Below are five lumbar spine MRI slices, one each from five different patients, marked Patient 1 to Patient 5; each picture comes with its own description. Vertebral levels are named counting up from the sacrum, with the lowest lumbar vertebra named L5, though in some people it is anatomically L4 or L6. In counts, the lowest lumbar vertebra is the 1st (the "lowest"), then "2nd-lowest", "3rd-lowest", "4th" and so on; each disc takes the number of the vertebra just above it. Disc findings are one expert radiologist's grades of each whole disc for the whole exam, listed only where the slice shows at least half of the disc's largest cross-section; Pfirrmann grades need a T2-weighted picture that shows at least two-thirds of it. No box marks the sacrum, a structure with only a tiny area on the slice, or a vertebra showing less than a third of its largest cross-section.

Patient 1 of 5:
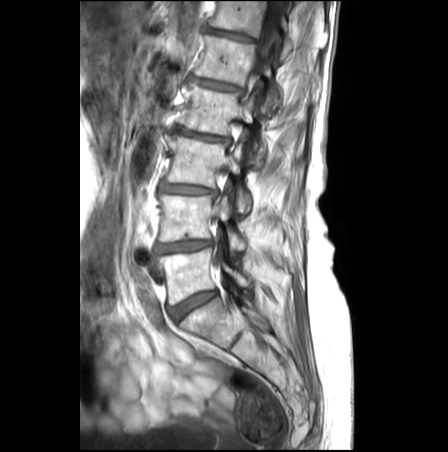

Image 448x452; Lumbar spine MR, T1-weighted, sagittal
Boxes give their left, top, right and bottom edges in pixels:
L5/S1 (lowest disc) = left=168, top=291, right=217, bottom=321 | T12/L1 (6th disc) = left=206, top=27, right=253, bottom=40 | L5 (lowest vertebra) = left=159, top=248, right=253, bottom=304 | L1 (5th vertebra) = left=194, top=35, right=318, bottom=115 | thecal sac / spinal canal = left=220, top=1, right=280, bottom=253 | L2 (4th vertebra) = left=176, top=85, right=265, bottom=168 | disc L3/L4 (3rd-lowest disc) = left=160, top=183, right=215, bottom=194 | disc L4/L5 (2nd-lowest disc) = left=155, top=240, right=211, bottom=253 | L2/L3 (4th disc) = left=174, top=126, right=228, bottom=141 | L4 (2nd-lowest vertebra) = left=158, top=184, right=247, bottom=256 | L3 (3rd-lowest vertebra) = left=167, top=133, right=250, bottom=212 | T12 (6th vertebra) = left=210, top=1, right=327, bottom=59 | disc L1/L2 (5th disc) = left=191, top=77, right=241, bottom=91

Per-level radiological findings:
• L1/L2 (5th disc): upper-endplate change, disc bulging, lower-endplate change
• T12/L1 (6th disc): lower-endplate change, upper-endplate change
• L3/L4 (3rd-lowest disc): disc narrowing, upper-endplate change, Modic type II, disc bulging, lower-endplate change
• L4/L5 (2nd-lowest disc): disc narrowing, upper-endplate change, lower-endplate change, Modic type II, disc bulging
• L2/L3 (4th disc): disc narrowing, upper-endplate change, Modic type II, disc bulging, lower-endplate change
• L5/S1 (lowest disc): no Modic or endplate change, herniation, narrowing, bulging or spondylolisthesis recorded

Patient 2 of 5:
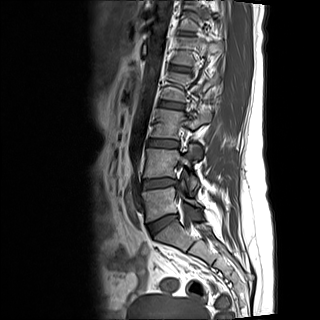
MRI lumbar spine (T1-weighted), sagittal plane. Sagittal slice index 9.

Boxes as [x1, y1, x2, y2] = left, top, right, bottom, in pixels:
3rd-lowest disc at [149, 140, 179, 147].
Lowest disc at [148, 215, 176, 235].
Lowest vertebra at [142, 180, 200, 221].
2nd-lowest disc at [143, 178, 176, 188].
2nd-lowest vertebra at [144, 144, 200, 195].
5th vertebra at [173, 37, 221, 65].
5th disc at [171, 66, 189, 71].
3rd-lowest vertebra at [151, 109, 211, 138].
4th disc at [160, 101, 183, 109].

Degenerative findings by level:
• 2nd-lowest disc: disc bulging, Modic type II
• lowest disc: disc bulging
• 4th disc, 3rd-lowest disc: no spondylolisthesis, narrowing, bulging, herniation, Modic or endplate change recorded

Patient 3 of 5:
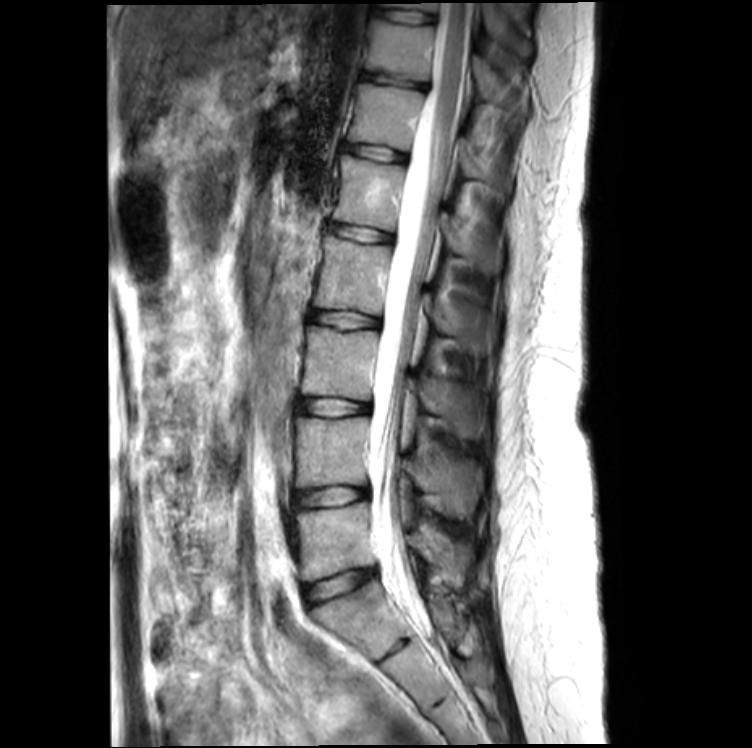 Slice 12 of 20. T2-weighted sagittal MRI of the lumbar spine.
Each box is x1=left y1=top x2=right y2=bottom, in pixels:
Annotations:
• 2nd-lowest vertebra at x1=296 y1=417 x2=481 y2=515
• 4th vertebra at x1=314 y1=236 x2=496 y2=354
• 5th disc at x1=328 y1=224 x2=392 y2=242
• 8th disc at x1=372 y1=7 x2=434 y2=24
• 5th vertebra at x1=333 y1=154 x2=501 y2=274
• 3rd-lowest vertebra at x1=301 y1=325 x2=486 y2=438
• 8th vertebra at x1=382 y1=3 x2=507 y2=35
• lowest disc at x1=304 y1=568 x2=376 y2=605
• 6th disc at x1=343 y1=144 x2=405 y2=162
• spinal canal at x1=369 y1=3 x2=473 y2=616
• 7th vertebra at x1=364 y1=19 x2=502 y2=99
• 2nd-lowest disc at x1=293 y1=487 x2=368 y2=507
• 6th vertebra at x1=348 y1=83 x2=483 y2=178
• 4th disc at x1=309 y1=309 x2=378 y2=329
• 3rd-lowest disc at x1=296 y1=398 x2=368 y2=414
• lowest vertebra at x1=290 y1=503 x2=473 y2=586
• 7th disc at x1=361 y1=71 x2=426 y2=89

Radiological gradings:
  8th disc: Pfirrmann grade 2
  6th disc: Pfirrmann grade 2
  7th disc: Pfirrmann grade 2, disc bulging, lower-endplate change
  5th disc: Pfirrmann grade 2
  3rd-lowest disc: Pfirrmann grade 2
  4th disc: Pfirrmann grade 2
  lowest disc: Pfirrmann grade 2, lower-endplate change
  2nd-lowest disc: Pfirrmann grade 2

Patient 4 of 5:
Lumbar spine MR, T1-weighted, sagittal. 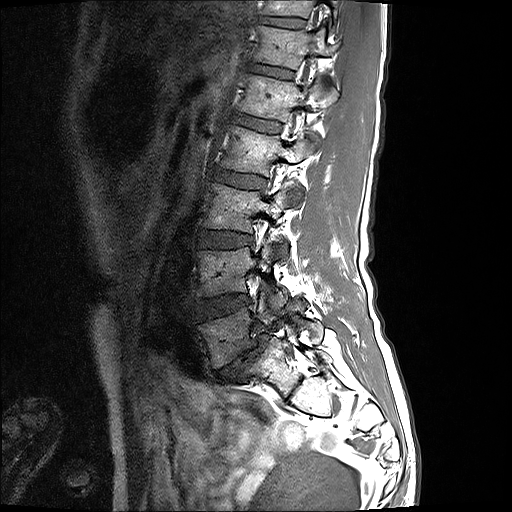
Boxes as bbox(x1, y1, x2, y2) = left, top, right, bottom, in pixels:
Intervertebral disc L4/L5: bbox(195, 295, 249, 321).
Intervertebral disc L2/L3: bbox(214, 169, 265, 189).
Intervertebral disc T11/T12: bbox(262, 17, 303, 28).
Intervertebral disc L1/L2: bbox(232, 114, 280, 132).
L4: bbox(197, 242, 287, 308).
L5: bbox(199, 293, 323, 368).
L3: bbox(204, 183, 293, 255).
L1: bbox(239, 74, 337, 121).
T11 vertebra: bbox(263, 0, 339, 17).
L3/L4: bbox(198, 230, 252, 248).
T12 vertebra: bbox(254, 26, 333, 69).
T12/L1: bbox(249, 63, 292, 78).
L5/S1: bbox(215, 334, 267, 381).
L2: bbox(221, 126, 319, 197).

Degenerative findings by level:
- L5/S1: Modic type II, disc bulging, spondylolisthesis, disc narrowing
- L4/L5, T11/T12, L1/L2, T12/L1, L2/L3, L3/L4: no Modic or endplate change, herniation, narrowing, bulging or spondylolisthesis recorded

Patient 5 of 5:
Sex F, Slice spacing 0.9 mm, Lumbar spine MR, T2 SPACE (3D), sagittal, Slice 43 of 122
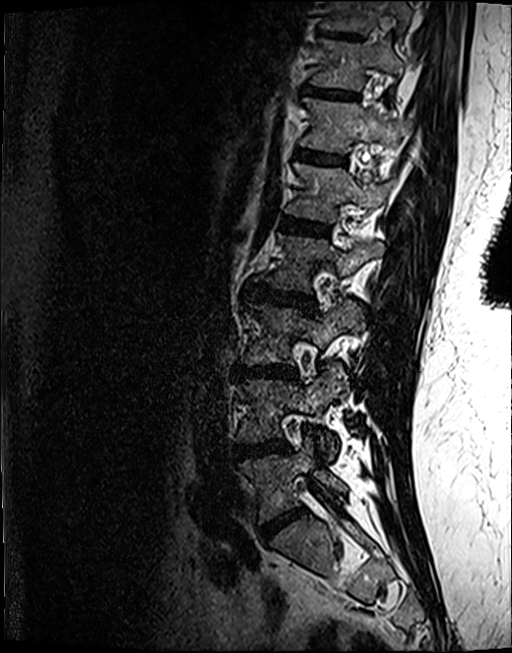

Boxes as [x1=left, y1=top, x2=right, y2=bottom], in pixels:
* 7th vertebra — [x1=310, y1=37, x2=403, y2=88]
* 4th vertebra — [x1=254, y1=232, x2=383, y2=290]
* 2nd-lowest vertebra — [x1=236, y1=368, x2=345, y2=458]
* 8th vertebra — [x1=319, y1=0, x2=412, y2=32]
* 5th vertebra — [x1=284, y1=162, x2=386, y2=221]
* 7th disc — [x1=304, y1=85, x2=358, y2=98]
* 3rd-lowest disc — [x1=234, y1=364, x2=296, y2=377]
* 4th disc — [x1=244, y1=282, x2=315, y2=310]
* 8th disc — [x1=317, y1=29, x2=363, y2=38]
* 6th vertebra — [x1=297, y1=97, x2=396, y2=152]
* 5th disc — [x1=279, y1=215, x2=329, y2=234]
* lowest vertebra — [x1=239, y1=438, x2=347, y2=523]
* lowest disc — [x1=260, y1=507, x2=305, y2=540]
* 3rd-lowest vertebra — [x1=241, y1=298, x2=358, y2=364]
* 6th disc — [x1=293, y1=148, x2=346, y2=163]
* 2nd-lowest disc — [x1=234, y1=440, x2=287, y2=458]

Expert MSK radiologist gradings (per disc):
• 4th disc: Pfirrmann grade 4, lower-endplate change, disc bulging, upper-endplate change
• 6th disc: lower-endplate change, upper-endplate change
• 5th disc: lower-endplate change, Modic type II, upper-endplate change
• 3rd-lowest disc: Pfirrmann grade 4, disc narrowing, disc bulging, Modic type II, lower-endplate change, upper-endplate change
• 7th disc: upper-endplate change